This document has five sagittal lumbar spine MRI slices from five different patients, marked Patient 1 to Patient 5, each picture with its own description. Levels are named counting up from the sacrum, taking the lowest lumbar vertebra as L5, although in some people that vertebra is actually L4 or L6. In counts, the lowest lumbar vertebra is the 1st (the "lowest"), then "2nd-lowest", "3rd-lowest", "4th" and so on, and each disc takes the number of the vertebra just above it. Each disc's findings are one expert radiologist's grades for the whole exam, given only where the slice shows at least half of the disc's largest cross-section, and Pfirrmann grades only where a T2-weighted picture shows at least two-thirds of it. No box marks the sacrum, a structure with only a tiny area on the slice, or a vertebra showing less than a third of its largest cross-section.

Patient 1 of 5:
SIEMENS Avanto_fit (1.5T), Sagittal slice index 45, Lumbar spine MR, T2 SPACE (3D), sagittal 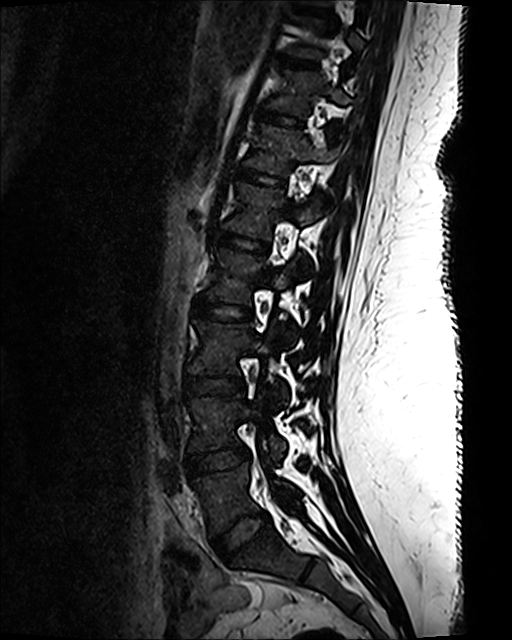 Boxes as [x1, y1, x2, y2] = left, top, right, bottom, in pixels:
L1/L2 (5th disc): [212, 231, 267, 252] | L5 (lowest vertebra): [193, 463, 299, 535] | T10/T11 (8th disc): [279, 55, 317, 68] | T12 (6th vertebra): [245, 124, 334, 174] | L3/L4 (3rd-lowest disc): [184, 376, 244, 394] | IVD L2/L3 (4th disc): [193, 299, 251, 320] | IVD L5/S1 (lowest disc): [212, 511, 269, 561] | IVD T12/L1 (6th disc): [239, 169, 283, 185] | IVD T11/T12 (7th disc): [260, 110, 302, 126] | T10 (8th vertebra): [289, 16, 364, 58] | T11 (7th vertebra): [268, 70, 351, 131] | L4/L5 (2nd-lowest disc): [188, 447, 249, 475] | L4 (2nd-lowest vertebra): [188, 394, 286, 457] | L2 (4th vertebra): [205, 248, 295, 339] | L1 (5th vertebra): [224, 184, 322, 273] | L3 (3rd-lowest vertebra): [187, 320, 287, 404]

Expert MSK radiologist gradings (per disc):
• L3/L4 (3rd-lowest disc): Pfirrmann grade 1
• T12/L1 (6th disc): Pfirrmann grade 1
• T11/T12 (7th disc): Pfirrmann grade 1
• L5/S1 (lowest disc): Pfirrmann grade 1
• L1/L2 (5th disc): Pfirrmann grade 1
• L2/L3 (4th disc): Pfirrmann grade 1
• L4/L5 (2nd-lowest disc): Pfirrmann grade 1
• T10/T11 (8th disc): no Modic or endplate change, herniation, narrowing, bulging or spondylolisthesis recorded

Patient 2 of 5:
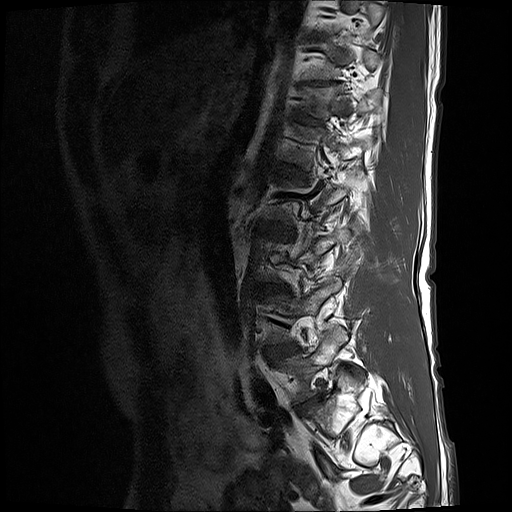 Patient sex: M | Sagittal T1-weighted lumbar spine MRI
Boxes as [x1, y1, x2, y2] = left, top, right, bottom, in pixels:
Segmented structures:
- 4th disc — [261, 223, 289, 232]
- 6th vertebra — [306, 86, 380, 112]
- lowest disc — [298, 398, 318, 413]
- 7th disc — [312, 81, 327, 85]
- 5th disc — [281, 166, 304, 177]
- 2nd-lowest disc — [266, 343, 297, 360]
- lowest vertebra — [283, 327, 347, 402]
- 6th disc — [301, 116, 319, 123]

Patient 3 of 5:
MRI lumbar spine (T2 SPACE (3D)), sagittal plane. Scanner: SIEMENS Avanto_fit (1.5T).
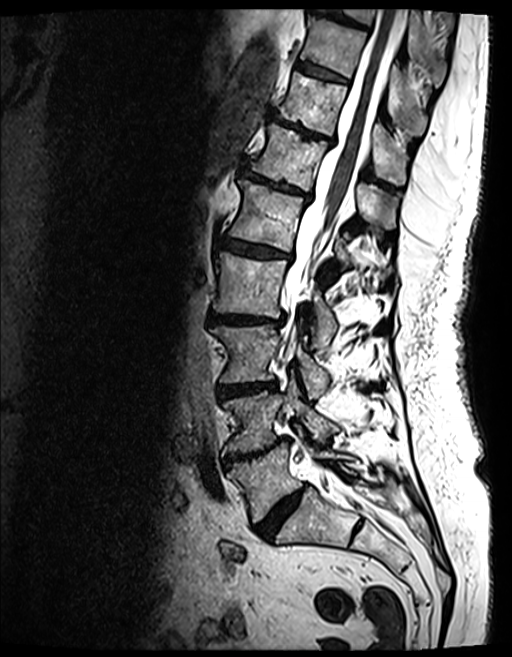

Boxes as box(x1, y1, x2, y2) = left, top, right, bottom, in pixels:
T10 vertebra: box(300, 16, 427, 133)
T9 vertebra: box(330, 8, 446, 81)
L5: box(227, 443, 346, 522)
T12/L1: box(239, 167, 310, 200)
L3/L4: box(218, 383, 273, 396)
spinal canal: box(284, 8, 405, 499)
disc L1/L2: box(224, 239, 287, 259)
disc L5/S1: box(256, 485, 308, 537)
L3: box(211, 324, 328, 397)
T11 vertebra: box(278, 72, 407, 185)
L2/L3: box(209, 314, 282, 324)
disc T11/T12: box(269, 111, 333, 143)
T9/T10: box(311, 5, 367, 28)
disc T10/T11: box(297, 61, 347, 82)
L4/L5: box(223, 437, 288, 468)
L1 vertebra: box(229, 180, 352, 264)
L2: box(214, 252, 336, 347)
L4: box(222, 380, 338, 454)
T12 vertebra: box(249, 125, 397, 229)

Expert MSK radiologist gradings (per disc):
- T11/T12: Pfirrmann grade 5, Modic type II, disc bulging, disc narrowing, upper-endplate change, lower-endplate change
- L3/L4: disc bulging, disc narrowing, lower-endplate change, Modic type II, upper-endplate change
- T9/T10: Pfirrmann grade 4, upper-endplate change, lower-endplate change, disc bulging, Modic type II
- L5/S1: Pfirrmann grade 4, disc narrowing, disc bulging
- T12/L1: Pfirrmann grade 4, Modic type II, disc bulging, disc narrowing, lower-endplate change, upper-endplate change
- T10/T11: Pfirrmann grade 4, lower-endplate change, Modic type II, upper-endplate change
- L4/L5: lower-endplate change, disc narrowing, upper-endplate change, Modic type II, disc bulging
- L2/L3: Pfirrmann grade 4, disc bulging, upper-endplate change, lower-endplate change, disc narrowing, Modic type II
- L1/L2: Pfirrmann grade 4, lower-endplate change, disc narrowing, upper-endplate change, disc bulging, Modic type II

Patient 4 of 5:
Patient sex: F. Image 528x531. Lumbar spine MR, T1-weighted, sagittal. Field of view 280x282 mm, slice spacing 3.3 mm. Scanner: Philips Healthcare Ingenia (3T). 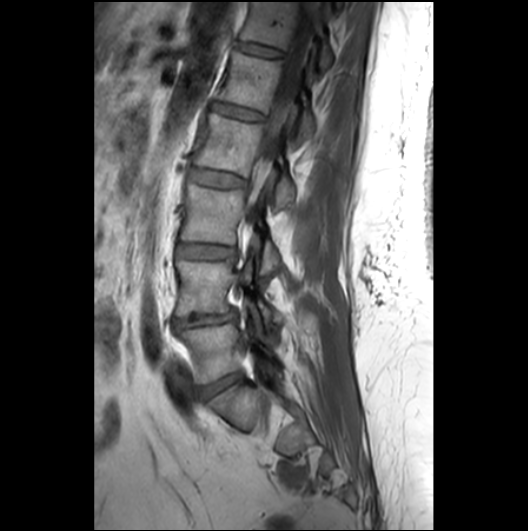
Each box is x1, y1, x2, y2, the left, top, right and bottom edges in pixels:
lowest disc: 199, 373, 242, 398 | 4th disc: 190, 167, 246, 187 | 3rd-lowest vertebra: 181, 184, 278, 273 | 2nd-lowest disc: 173, 309, 237, 331 | lowest vertebra: 181, 323, 273, 383 | 4th vertebra: 193, 113, 295, 207 | 6th vertebra: 240, 1, 332, 69 | 5th vertebra: 217, 48, 315, 138 | 6th disc: 236, 40, 283, 56 | spinal canal: 248, 2, 321, 216 | 2nd-lowest vertebra: 177, 261, 277, 331 | 3rd-lowest disc: 178, 243, 237, 258 | 5th disc: 211, 102, 265, 120

Expert MSK radiologist gradings (per disc):
• 2nd-lowest disc: disc herniation, disc narrowing
• 5th disc, 4th disc, 6th disc, 3rd-lowest disc: no herniation, bulging, narrowing, spondylolisthesis, endplate or Modic change recorded

Patient 5 of 5:
SIEMENS Avanto_fit (1.5T), Sagittal T2-weighted lumbar spine MRI, 512x512 px, Sex F
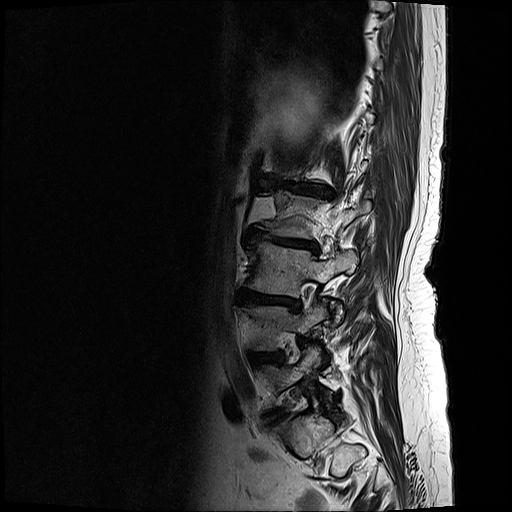 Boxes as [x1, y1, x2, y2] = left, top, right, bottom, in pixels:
Intervertebral disc L3/L4: [235, 291, 299, 310].
L3: [246, 243, 356, 318].
L4/L5: [249, 354, 281, 362].
L4 vertebra: [239, 305, 326, 348].
L2/L3: [246, 230, 317, 252].
L1/L2: [283, 183, 325, 194].

Expert MSK radiologist gradings (per disc):
- L3/L4: Pfirrmann grade 5, Modic type II, lower-endplate change, upper-endplate change, disc bulging, disc narrowing
- L2/L3: Pfirrmann grade 5, Modic type II, lower-endplate change, disc bulging, upper-endplate change, disc narrowing
- L1/L2: disc narrowing, Modic type II, disc bulging, lower-endplate change, upper-endplate change